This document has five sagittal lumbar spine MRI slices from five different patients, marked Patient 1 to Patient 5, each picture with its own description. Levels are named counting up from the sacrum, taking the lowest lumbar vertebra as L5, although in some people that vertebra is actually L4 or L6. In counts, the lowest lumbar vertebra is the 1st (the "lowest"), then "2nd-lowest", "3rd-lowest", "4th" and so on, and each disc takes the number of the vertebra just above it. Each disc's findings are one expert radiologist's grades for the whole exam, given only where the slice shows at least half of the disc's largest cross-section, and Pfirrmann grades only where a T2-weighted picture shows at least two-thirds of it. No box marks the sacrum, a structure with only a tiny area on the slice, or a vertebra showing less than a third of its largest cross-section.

Patient 1 of 5:
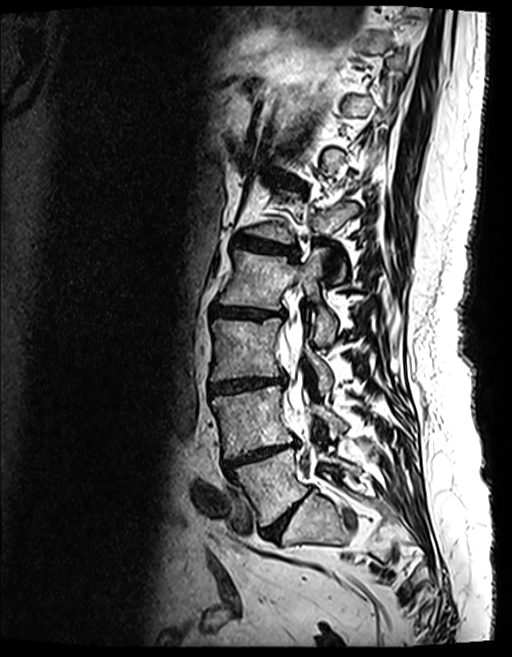 Sagittal T2 SPACE (3D) lumbar spine MRI, Sex F, Slice 90 of 154
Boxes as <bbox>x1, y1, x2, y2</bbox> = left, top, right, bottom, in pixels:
Annotations:
• 5th vertebra — <bbox>245, 196, 357, 281</bbox>
• 2nd-lowest vertebra — <bbox>211, 385, 346, 458</bbox>
• 2nd-lowest disc — <bbox>224, 441, 299, 473</bbox>
• 3rd-lowest disc — <bbox>210, 376, 284, 393</bbox>
• thecal sac / spinal canal — <bbox>284, 313, 311, 434</bbox>
• lowest vertebra — <bbox>235, 448, 358, 526</bbox>
• lowest disc — <bbox>262, 500, 303, 538</bbox>
• 5th disc — <bbox>233, 237, 297, 259</bbox>
• 4th disc — <bbox>210, 302, 285, 317</bbox>
• 4th vertebra — <bbox>219, 248, 336, 342</bbox>
• 3rd-lowest vertebra — <bbox>211, 318, 331, 391</bbox>

Degenerative findings by level:
- 4th disc: Pfirrmann grade 4, Modic type II, disc bulging, lower-endplate change, upper-endplate change, disc narrowing
- 2nd-lowest disc: Pfirrmann grade 5, upper-endplate change, disc narrowing, disc bulging, lower-endplate change, Modic type II
- 3rd-lowest disc: Pfirrmann grade 4, disc narrowing, Modic type II, upper-endplate change, disc bulging, lower-endplate change
- 5th disc: Pfirrmann grade 4, lower-endplate change, disc bulging, Modic type II, upper-endplate change, disc narrowing

Patient 2 of 5:
Sagittal T2-weighted lumbar spine MRI 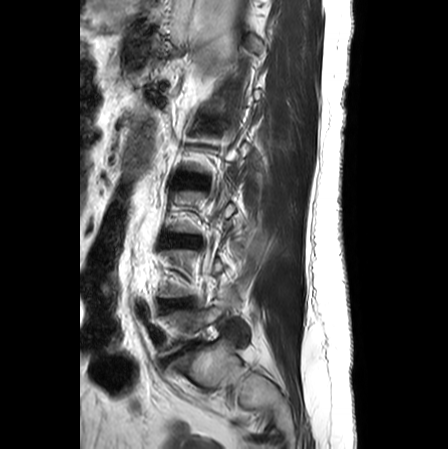

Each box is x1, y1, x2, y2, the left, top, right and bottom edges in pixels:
Structures:
* disc L4/L5 at 165, 301, 189, 307
* disc L3/L4 at 163, 237, 197, 244
* L5 at 159, 297, 249, 357
* L5/S1 at 164, 345, 195, 363
* disc L2/L3 at 180, 174, 208, 189

Patient 3 of 5:
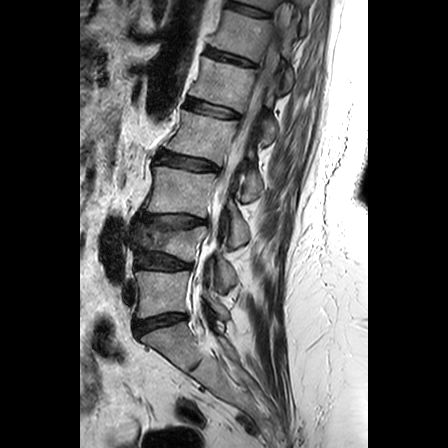
Field of view 280x280 mm; 448x448 px; Lumbar spine MR, T2-weighted, sagittal

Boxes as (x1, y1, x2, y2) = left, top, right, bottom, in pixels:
- L3/L4 = (137, 214, 206, 227)
- L4 vertebra = (133, 222, 237, 288)
- intervertebral disc L2/L3 = (156, 151, 218, 170)
- L1/L2 = (185, 98, 238, 117)
- T12/L1 = (206, 48, 255, 66)
- L5/S1 = (134, 313, 186, 335)
- L3 = (145, 165, 249, 245)
- T12 = (210, 10, 295, 89)
- L1 vertebra = (189, 56, 277, 143)
- L4/L5 = (135, 252, 191, 270)
- intervertebral disc T11/T12 = (227, 1, 271, 17)
- L2 vertebra = (165, 109, 263, 201)
- T11 vertebra = (237, 0, 308, 28)
- L5 = (135, 270, 228, 318)
- thecal sac / spinal canal = (197, 26, 281, 293)

Degenerative findings by level:
  L2/L3: Pfirrmann grade 3, lower-endplate change, upper-endplate change
  T12/L1: Pfirrmann grade 3, upper-endplate change, lower-endplate change
  T11/T12: Pfirrmann grade 3, lower-endplate change
  L5/S1: Pfirrmann grade 3, disc bulging
  L4/L5: Pfirrmann grade 3, disc bulging, lower-endplate change
  L1/L2: Pfirrmann grade 2, upper-endplate change
  L3/L4: Pfirrmann grade 3, disc bulging, lower-endplate change, upper-endplate change

Patient 4 of 5:
Patient sex: F; Image 448x450; Slice 9/26; MRI lumbar spine (T1-weighted), sagittal plane; Field of view 280x281 mm, slice spacing 3.3 mm

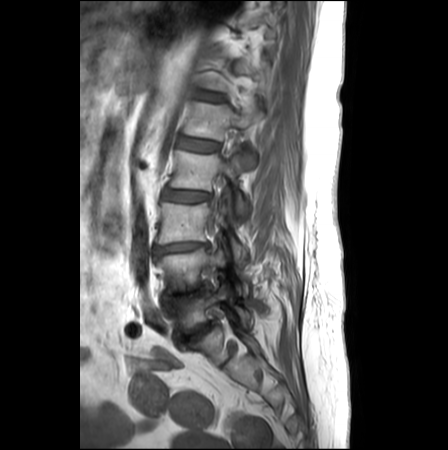

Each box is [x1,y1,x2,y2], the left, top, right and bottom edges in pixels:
2nd-lowest vertebra: [155,249,248,295].
4th vertebra: [170,150,246,213].
Lowest vertebra: [164,284,251,334].
4th disc: [164,189,209,201].
3rd-lowest vertebra: [158,202,245,259].
6th disc: [198,93,224,101].
5th vertebra: [184,98,263,166].
5th disc: [178,138,218,151].
Lowest disc: [178,319,216,342].
3rd-lowest disc: [154,242,210,253].
2nd-lowest disc: [164,282,211,303].

Per-level radiological findings:
  4th disc: disc bulging
  lowest disc: disc narrowing, lower-endplate change, disc bulging, upper-endplate change, Modic type II
  3rd-lowest disc: lower-endplate change, disc bulging, disc narrowing, upper-endplate change
  5th disc: no Modic or endplate change, herniation, narrowing, bulging or spondylolisthesis recorded

Patient 5 of 5:
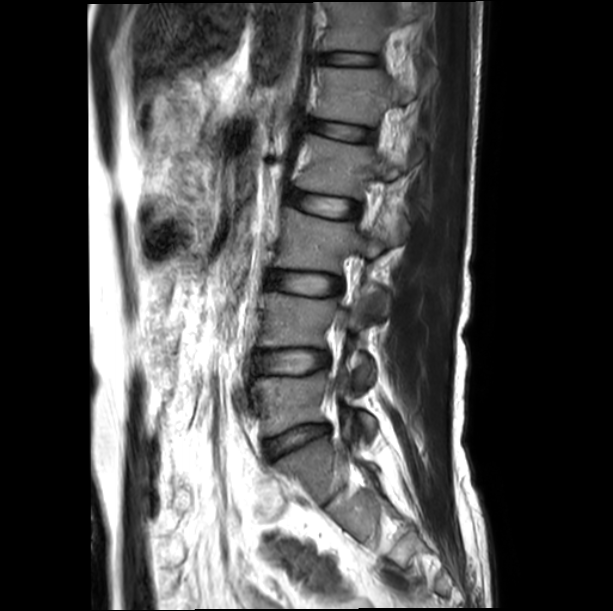

Field of view 310x308 mm; Sagittal T2-weighted lumbar spine MRI; Slice 7/18

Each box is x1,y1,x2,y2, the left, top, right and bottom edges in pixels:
L3 vertebra at 275,208,408,313; L5 at 251,372,375,435; disc L1/L2 at 310,120,373,141; L4/L5 at 255,352,328,374; disc L5/S1 at 265,424,329,457; L2 vertebra at 295,135,422,198; L2/L3 at 289,191,359,218; L3/L4 at 269,271,341,295; T12 at 322,2,415,51; L4 vertebra at 259,292,373,385; L1 vertebra at 316,66,416,125; T12/L1 at 322,53,377,64.

Expert MSK radiologist gradings (per disc):
  L4/L5: Pfirrmann grade 1
  T12/L1: Pfirrmann grade 1
  L5/S1: Pfirrmann grade 2, disc narrowing, disc bulging
  L2/L3: Pfirrmann grade 1
  L3/L4: Pfirrmann grade 1
  L1/L2: Pfirrmann grade 1